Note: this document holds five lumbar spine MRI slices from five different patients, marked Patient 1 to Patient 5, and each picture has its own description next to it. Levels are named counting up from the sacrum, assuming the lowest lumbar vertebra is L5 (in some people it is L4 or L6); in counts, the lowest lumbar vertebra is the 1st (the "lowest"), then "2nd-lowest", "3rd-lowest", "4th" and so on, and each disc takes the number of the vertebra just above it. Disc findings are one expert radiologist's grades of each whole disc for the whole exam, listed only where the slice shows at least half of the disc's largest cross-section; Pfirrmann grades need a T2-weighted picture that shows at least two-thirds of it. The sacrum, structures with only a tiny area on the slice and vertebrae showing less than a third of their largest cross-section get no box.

Patient 1 of 5:
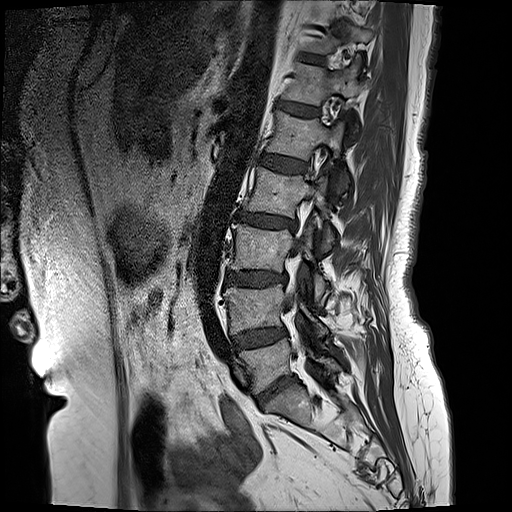 Patient sex: F. MRI lumbar spine (T1-weighted), sagittal plane. Slice 5 of 17.
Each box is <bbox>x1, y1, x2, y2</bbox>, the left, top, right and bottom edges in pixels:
L3/L4: <bbox>224, 271, 287, 284</bbox>
L4 vertebra: <bbox>223, 284, 327, 337</bbox>
L3: <bbox>230, 224, 327, 301</bbox>
intervertebral disc L5/S1: <bbox>257, 378, 294, 406</bbox>
T12: <bbox>281, 56, 360, 133</bbox>
L2: <bbox>243, 167, 334, 250</bbox>
L2/L3: <bbox>235, 212, 294, 227</bbox>
L1/L2: <bbox>256, 153, 307, 172</bbox>
intervertebral disc T12/L1: <bbox>277, 102, 319, 115</bbox>
L5: <bbox>239, 338, 341, 393</bbox>
T11/T12: <bbox>299, 53, 325, 64</bbox>
L4/L5: <bbox>233, 327, 286, 350</bbox>
L1 vertebra: <bbox>266, 111, 346, 196</bbox>
spinal canal: <bbox>284, 174, 316, 313</bbox>

Radiological gradings:
• L5/S1: disc narrowing, disc bulging
• T12/L1: disc bulging
• L4/L5: disc bulging
• L3/L4: lower-endplate change, disc bulging, disc narrowing, upper-endplate change, Modic type II
• L2/L3: disc narrowing, disc bulging, upper-endplate change, lower-endplate change, Modic type II
• L1/L2: no Modic or endplate change, herniation, narrowing, bulging or spondylolisthesis recorded

Patient 2 of 5:
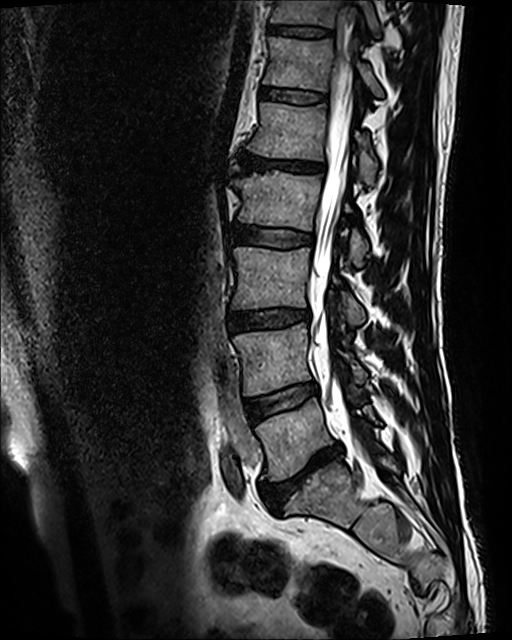 Slice 74/120, Lumbar spine MR, T2 SPACE (3D), sagittal

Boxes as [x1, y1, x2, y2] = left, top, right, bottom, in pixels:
* IVD L4/L5 — [244, 383, 316, 419]
* IVD L1/L2 — [238, 152, 325, 175]
* T12/L1 — [260, 86, 327, 103]
* L2/L3 — [230, 223, 314, 246]
* L2 vertebra — [233, 170, 368, 265]
* thecal sac / spinal canal — [313, 44, 359, 444]
* IVD L3/L4 — [227, 309, 310, 331]
* T12 vertebra — [263, 37, 383, 96]
* L5 vertebra — [256, 398, 376, 481]
* L3 vertebra — [232, 247, 364, 325]
* T11/T12 — [269, 27, 331, 35]
* T11 — [271, 0, 379, 33]
* L5/S1 — [260, 443, 343, 509]
* L4 vertebra — [233, 323, 365, 396]
* L1 — [247, 101, 377, 186]

Degenerative findings by level:
• L2/L3: Pfirrmann grade 3
• T12/L1: Pfirrmann grade 3
• L5/S1: Pfirrmann grade 5, Modic type II, disc bulging, lower-endplate change, upper-endplate change, disc narrowing
• L3/L4: Pfirrmann grade 3, lower-endplate change, upper-endplate change, disc bulging
• L4/L5: Pfirrmann grade 3, Modic type II
• T11/T12: Pfirrmann grade 3, upper-endplate change, lower-endplate change
• L1/L2: Pfirrmann grade 5, upper-endplate change, lower-endplate change, disc bulging, disc narrowing, Modic type II

Patient 3 of 5:
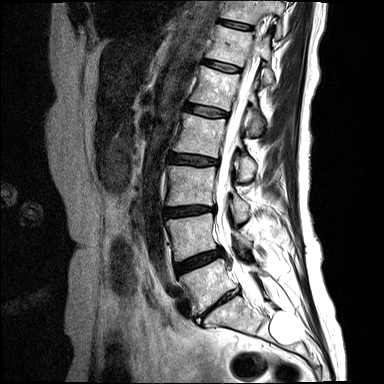
T2-weighted sagittal MRI of the lumbar spine
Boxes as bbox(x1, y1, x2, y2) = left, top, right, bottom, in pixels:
thecal sac / spinal canal: bbox(217, 41, 259, 284)
T12 (6th vertebra): bbox(207, 25, 274, 83)
L5/S1 (lowest disc): bbox(202, 290, 238, 316)
T11 (7th vertebra): bbox(220, 0, 283, 37)
intervertebral disc L3/L4 (3rd-lowest disc): bbox(165, 206, 215, 216)
T11/T12 (7th disc): bbox(219, 20, 251, 30)
intervertebral disc T12/L1 (6th disc): bbox(204, 60, 239, 71)
L2 (4th vertebra): bbox(174, 112, 256, 181)
intervertebral disc L4/L5 (2nd-lowest disc): bbox(175, 249, 220, 275)
L1/L2 (5th disc): bbox(186, 104, 227, 117)
L3 (3rd-lowest vertebra): bbox(167, 166, 250, 223)
L5 (lowest vertebra): bbox(180, 259, 259, 313)
L4 (2nd-lowest vertebra): bbox(166, 213, 250, 261)
intervertebral disc L2/L3 (4th disc): bbox(171, 155, 219, 166)
L1 (5th vertebra): bbox(190, 66, 264, 136)

Expert MSK radiologist gradings (per disc):
- L3/L4 (3rd-lowest disc): Pfirrmann grade 4, disc bulging, Modic type II, disc narrowing
- L5/S1 (lowest disc): Pfirrmann grade 5, disc narrowing, lower-endplate change, disc bulging, upper-endplate change, Modic type II
- T11/T12 (7th disc): Pfirrmann grade 2
- L2/L3 (4th disc): Pfirrmann grade 3, upper-endplate change, disc bulging, Modic type II
- L1/L2 (5th disc): Pfirrmann grade 2, Modic type II
- T12/L1 (6th disc): Pfirrmann grade 2
- L4/L5 (2nd-lowest disc): Pfirrmann grade 4, disc bulging, Modic type II

Patient 4 of 5:
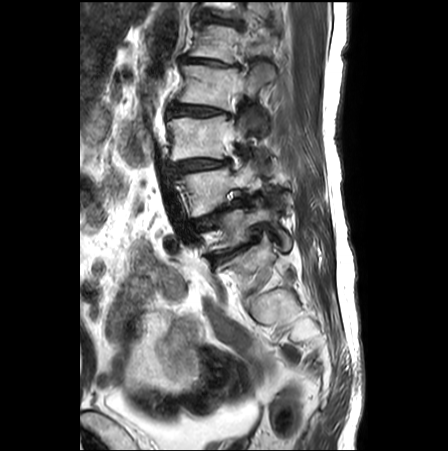 Sagittal T2-weighted lumbar spine MRI; Sagittal slice index 8; Field of view 280x282 mm, slice spacing 3.3 mm; Patient sex: F
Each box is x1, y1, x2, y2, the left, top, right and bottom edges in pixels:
6th disc: 203, 12, 243, 28.
3rd-lowest vertebra: 167, 114, 250, 161.
Lowest vertebra: 209, 201, 291, 252.
2nd-lowest vertebra: 178, 162, 256, 217.
5th vertebra: 190, 25, 277, 63.
3rd-lowest disc: 170, 159, 229, 173.
Lowest disc: 209, 237, 258, 264.
4th disc: 168, 104, 231, 117.
4th vertebra: 178, 64, 275, 130.
5th disc: 180, 57, 239, 67.
2nd-lowest disc: 195, 195, 247, 230.

Expert MSK radiologist gradings (per disc):
• 6th disc: upper-endplate change, disc bulging, lower-endplate change
• 5th disc: Pfirrmann grade 5, lower-endplate change, disc narrowing, disc bulging
• 4th disc: Pfirrmann grade 4, disc bulging, lower-endplate change, spondylolisthesis, upper-endplate change, Modic type II, disc narrowing
• 2nd-lowest disc: Pfirrmann grade 5, disc bulging, lower-endplate change, spondylolisthesis, disc herniation, upper-endplate change, disc narrowing, Modic type II
• lowest disc: Pfirrmann grade 5, lower-endplate change, disc herniation, Modic type II, disc bulging, upper-endplate change, disc narrowing
• 3rd-lowest disc: Pfirrmann grade 4, spondylolisthesis, disc narrowing, Modic type II, lower-endplate change, disc bulging, upper-endplate change

Patient 5 of 5:
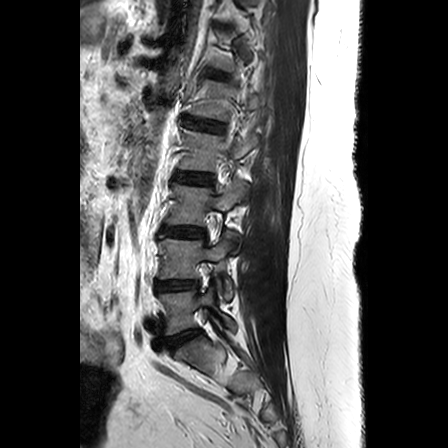

T2-weighted sagittal MRI of the lumbar spine; Slice 17 of 24; Image 448x448; Sex F
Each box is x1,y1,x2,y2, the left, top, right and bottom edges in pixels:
Lowest disc at 169,329,200,350; 5th vertebra at 191,80,265,120; lowest vertebra at 159,284,236,334; 6th disc at 206,70,225,76; 2nd-lowest vertebra at 159,233,235,299; 4th disc at 175,171,212,183; 3rd-lowest vertebra at 165,183,248,253; 2nd-lowest disc at 155,281,199,291; 5th disc at 184,116,223,130; 4th vertebra at 179,128,258,171; 3rd-lowest disc at 162,226,205,236.

Radiological gradings:
• 5th disc: Pfirrmann grade 3, upper-endplate change, Modic type II, disc bulging
• 2nd-lowest disc: disc narrowing
• 3rd-lowest disc: Pfirrmann grade 3, upper-endplate change
• 4th disc: no Modic or endplate change, herniation, narrowing, bulging or spondylolisthesis recorded